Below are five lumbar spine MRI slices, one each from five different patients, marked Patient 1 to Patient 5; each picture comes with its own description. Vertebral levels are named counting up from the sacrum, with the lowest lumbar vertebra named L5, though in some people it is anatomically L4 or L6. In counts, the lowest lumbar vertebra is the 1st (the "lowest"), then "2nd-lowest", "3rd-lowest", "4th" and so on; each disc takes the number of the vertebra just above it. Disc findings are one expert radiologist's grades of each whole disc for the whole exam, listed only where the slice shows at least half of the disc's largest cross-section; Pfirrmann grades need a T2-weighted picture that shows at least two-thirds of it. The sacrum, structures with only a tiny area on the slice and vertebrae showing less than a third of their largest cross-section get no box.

Patient 1 of 5:
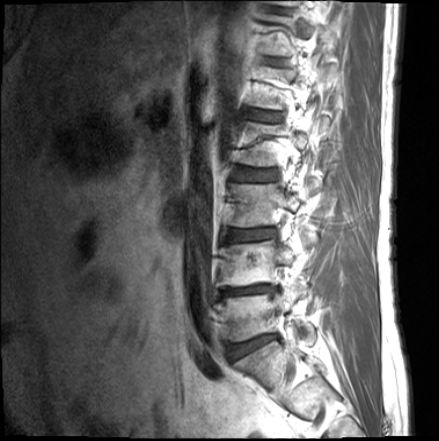
Lumbar spine MR, T1-weighted, sagittal; Image 439x441; Sex M; Slice spacing 4.4 mm
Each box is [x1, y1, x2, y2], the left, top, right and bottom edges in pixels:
Annotations:
* 3rd-lowest disc — [229, 229, 275, 241]
* lowest vertebra — [215, 282, 315, 344]
* 4th disc — [235, 168, 274, 180]
* 2nd-lowest vertebra — [219, 241, 294, 286]
* lowest disc — [231, 334, 275, 359]
* 2nd-lowest disc — [221, 285, 276, 296]
* 5th disc — [250, 111, 278, 120]
* 3rd-lowest vertebra — [232, 184, 318, 227]

Radiological gradings:
- lowest disc: disc bulging, disc narrowing, lower-endplate change, Modic type II, upper-endplate change
- 2nd-lowest disc: disc bulging, upper-endplate change, disc narrowing, Modic type II, lower-endplate change
- 3rd-lowest disc: lower-endplate change, disc bulging, upper-endplate change

Patient 2 of 5:
Philips Healthcare Ingenia (3T) | 559x578 px | Field of view 280x289 mm | Lumbar spine MR, T1-weighted, sagittal

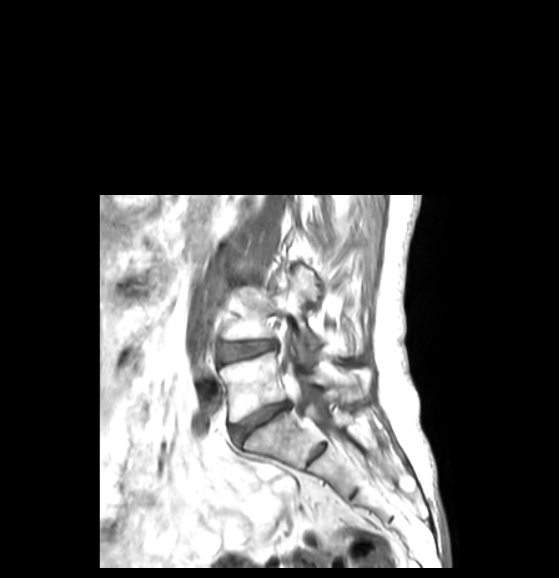 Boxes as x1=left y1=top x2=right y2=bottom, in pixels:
L4/L5: x1=220 y1=340 x2=274 y2=361
L5/S1: x1=232 y1=403 x2=287 y2=440
L5: x1=220 y1=352 x2=367 y2=422
thecal sac / spinal canal: x1=286 y1=353 x2=332 y2=434
L4 vertebra: x1=226 y1=268 x2=320 y2=348

Per-level radiological findings:
  L4/L5: disc bulging
  L5/S1: disc narrowing, disc bulging

Patient 3 of 5:
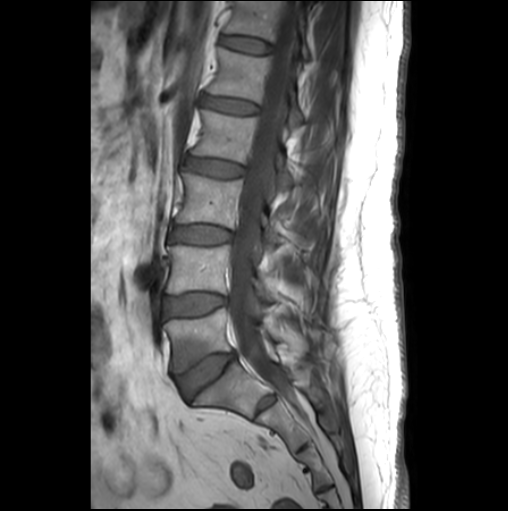

MRI lumbar spine (T1-weighted), sagittal plane.

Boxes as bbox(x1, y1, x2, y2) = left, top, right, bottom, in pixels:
L4 at bbox(167, 244, 272, 300); disc L2/L3 at bbox(185, 156, 245, 176); disc L3/L4 at bbox(171, 225, 232, 243); disc L1/L2 at bbox(202, 95, 257, 112); L1 vertebra at bbox(208, 47, 304, 125); L3 vertebra at bbox(176, 172, 280, 250); T12/L1 at bbox(221, 35, 270, 52); L2 vertebra at bbox(193, 109, 294, 188); L5 at bbox(165, 308, 278, 371); disc L5/S1 at bbox(176, 353, 235, 398); L4/L5 at bbox(165, 293, 226, 316); thecal sac / spinal canal at bbox(227, 1, 300, 397); T12 at bbox(226, 1, 310, 58).

Radiological gradings:
- L5/S1: Modic type II, disc bulging
- L4/L5: Modic type II
- L1/L2, L2/L3, L3/L4, T12/L1: no herniation, bulging, narrowing, spondylolisthesis, endplate or Modic change recorded

Patient 4 of 5:
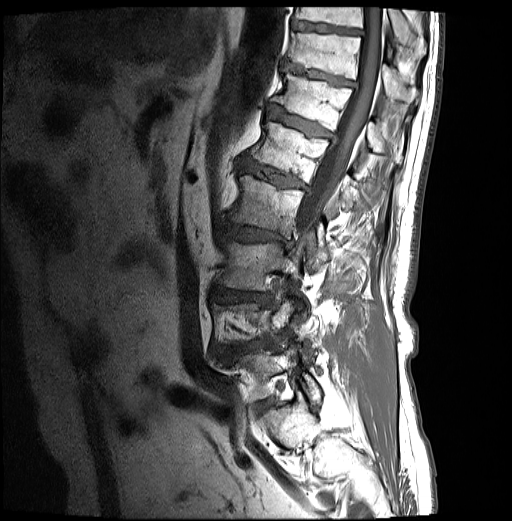
Lumbar spine MR, T1-weighted, sagittal. Slice 10/30. Sex M.
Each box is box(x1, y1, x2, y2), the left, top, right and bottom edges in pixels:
6th vertebra: box(273, 74, 401, 161)
8th vertebra: box(294, 7, 425, 56)
4th disc: box(222, 221, 289, 249)
6th disc: box(268, 106, 332, 138)
3rd-lowest disc: box(218, 288, 266, 301)
2nd-lowest disc: box(246, 342, 261, 350)
thecal sac / spinal canal: box(296, 6, 383, 237)
4th vertebra: box(227, 176, 329, 269)
5th disc: box(241, 159, 306, 188)
8th disc: box(292, 21, 360, 34)
5th vertebra: box(249, 122, 352, 208)
7th vertebra: box(287, 33, 417, 103)
lowest vertebra: box(241, 345, 319, 404)
7th disc: box(282, 61, 354, 86)
3rd-lowest vertebra: box(217, 237, 301, 290)

Expert MSK radiologist gradings (per disc):
- 5th disc: Modic type II, disc bulging, lower-endplate change, upper-endplate change
- 7th disc: disc bulging, upper-endplate change, lower-endplate change
- 4th disc: disc bulging, upper-endplate change, disc narrowing, lower-endplate change, Modic type I
- 6th disc: upper-endplate change, disc bulging, Modic type II, lower-endplate change
- 8th disc: no Modic or endplate change, herniation, narrowing, bulging or spondylolisthesis recorded

Patient 5 of 5:
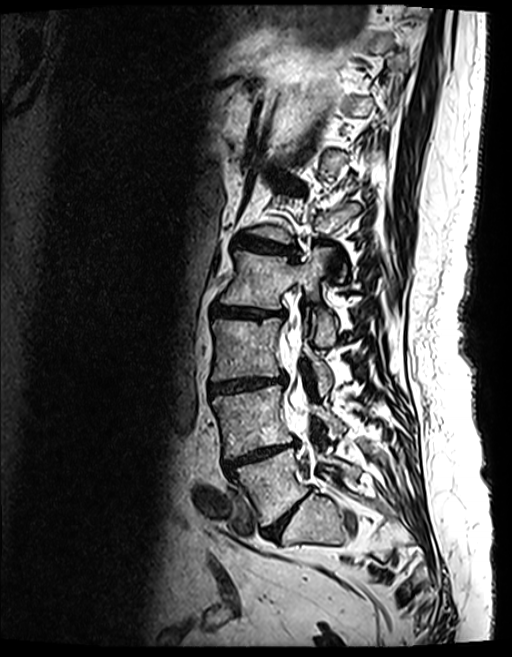 Image 512x657 | MRI lumbar spine (T2 SPACE (3D)), sagittal plane | Sex F

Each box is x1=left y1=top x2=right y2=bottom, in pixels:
{"spinal canal": "x1=285 y1=314 x2=311 y2=433", "2nd-lowest vertebra": "x1=212 y1=385 x2=345 y2=458", "4th vertebra": "x1=220 y1=248 x2=336 y2=342", "5th disc": "x1=234 y1=237 x2=297 y2=259", "3rd-lowest disc": "x1=210 y1=376 x2=284 y2=393", "4th disc": "x1=212 y1=302 x2=285 y2=317", "2nd-lowest disc": "x1=225 y1=441 x2=298 y2=474", "3rd-lowest vertebra": "x1=211 y1=318 x2=331 y2=393", "lowest vertebra": "x1=236 y1=448 x2=358 y2=526", "lowest disc": "x1=263 y1=500 x2=303 y2=538"}

Radiological gradings:
  2nd-lowest disc: Pfirrmann grade 5, lower-endplate change, upper-endplate change, Modic type II, disc narrowing, disc bulging
  5th disc: Pfirrmann grade 4, upper-endplate change, disc bulging, disc narrowing, Modic type II, lower-endplate change
  4th disc: Pfirrmann grade 4, lower-endplate change, Modic type II, disc narrowing, upper-endplate change, disc bulging
  3rd-lowest disc: Pfirrmann grade 4, upper-endplate change, disc bulging, lower-endplate change, Modic type II, disc narrowing